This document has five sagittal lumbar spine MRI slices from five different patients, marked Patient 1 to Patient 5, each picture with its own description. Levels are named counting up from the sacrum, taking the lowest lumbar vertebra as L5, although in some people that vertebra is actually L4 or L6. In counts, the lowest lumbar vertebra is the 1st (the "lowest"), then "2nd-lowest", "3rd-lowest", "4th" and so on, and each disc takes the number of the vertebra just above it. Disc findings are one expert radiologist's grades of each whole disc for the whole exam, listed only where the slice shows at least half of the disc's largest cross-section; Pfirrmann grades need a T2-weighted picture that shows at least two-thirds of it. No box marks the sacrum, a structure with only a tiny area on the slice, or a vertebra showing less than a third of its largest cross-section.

Patient 1 of 5:
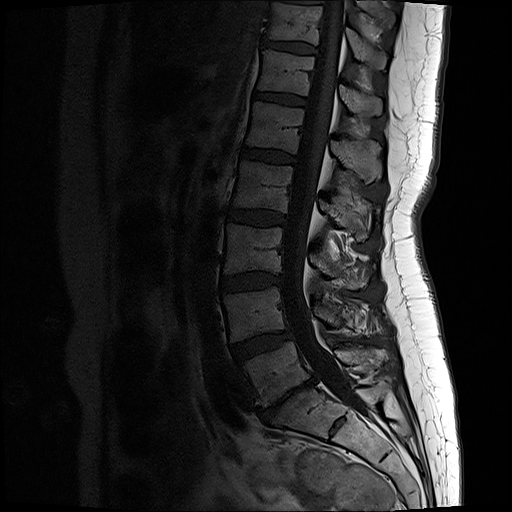 T1-weighted sagittal MRI of the lumbar spine

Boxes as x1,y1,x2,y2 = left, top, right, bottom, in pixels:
7th disc at 265,41,314,52 | 5th vertebra at 247,102,381,181 | 2nd-lowest vertebra at 224,286,380,340 | 2nd-lowest disc at 232,330,292,361 | lowest disc at 256,376,316,421 | 4th vertebra at 233,161,372,241 | 3rd-lowest vertebra at 224,225,371,289 | 5th disc at 242,147,295,163 | 3rd-lowest disc at 221,272,282,291 | 4th disc at 227,208,286,224 | 6th disc at 255,91,306,105 | lowest vertebra at 243,342,391,405 | thecal sac / spinal canal at 283,1,374,419 | 6th vertebra at 259,50,382,114 | 7th vertebra at 268,2,383,67

Per-level radiological findings:
• lowest disc: upper-endplate change, lower-endplate change, disc herniation, disc narrowing, disc bulging, Modic type III
• 3rd-lowest disc: disc bulging
• 2nd-lowest disc: disc bulging
• 4th disc, 7th disc, 6th disc, 5th disc: no spondylolisthesis, narrowing, bulging, herniation, Modic or endplate change recorded

Patient 2 of 5:
T2-weighted sagittal MRI of the lumbar spine; Sagittal slice index 10; Field of view 280x280 mm
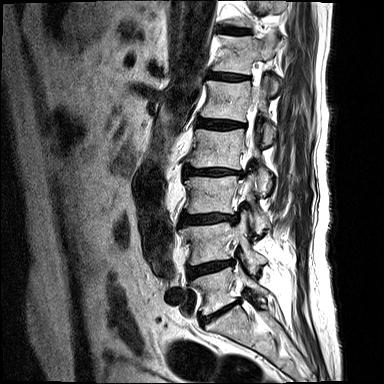

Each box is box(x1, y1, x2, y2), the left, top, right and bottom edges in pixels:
L3 (3rd-lowest vertebra) at box(184, 175, 269, 233); disc L5/S1 (lowest disc) at box(199, 303, 236, 326); T12 (6th vertebra) at box(213, 31, 277, 90); L2/L3 (4th disc) at box(183, 166, 242, 176); L4 (2nd-lowest vertebra) at box(178, 222, 265, 272); L5 (lowest vertebra) at box(189, 267, 267, 315); L2 (4th vertebra) at box(186, 128, 271, 194); disc L3/L4 (3rd-lowest disc) at box(179, 214, 237, 225); L1 (5th vertebra) at box(201, 80, 275, 142); L4/L5 (2nd-lowest disc) at box(187, 260, 233, 277); disc T12/L1 (6th disc) at box(209, 72, 247, 81); L1/L2 (5th disc) at box(196, 118, 245, 128); disc T11/T12 (7th disc) at box(220, 26, 250, 34); thecal sac / spinal canal at box(238, 96, 256, 191).

Radiological gradings:
• L1/L2 (5th disc): Pfirrmann grade 4, disc bulging, Modic type II, lower-endplate change, disc narrowing
• T12/L1 (6th disc): Pfirrmann grade 4, Modic type II, disc narrowing
• L4/L5 (2nd-lowest disc): Pfirrmann grade 4, Modic type II, lower-endplate change, disc narrowing, disc bulging
• L3/L4 (3rd-lowest disc): Pfirrmann grade 4, lower-endplate change, Modic type II, disc narrowing, upper-endplate change, disc herniation
• L2/L3 (4th disc): Pfirrmann grade 4, disc narrowing, Modic type II, disc herniation, lower-endplate change
• T11/T12 (7th disc): Pfirrmann grade 4, disc narrowing, lower-endplate change, upper-endplate change, Modic type II

Patient 3 of 5:
T2 SPACE (3D) sagittal MRI of the lumbar spine | Slice 33 of 120

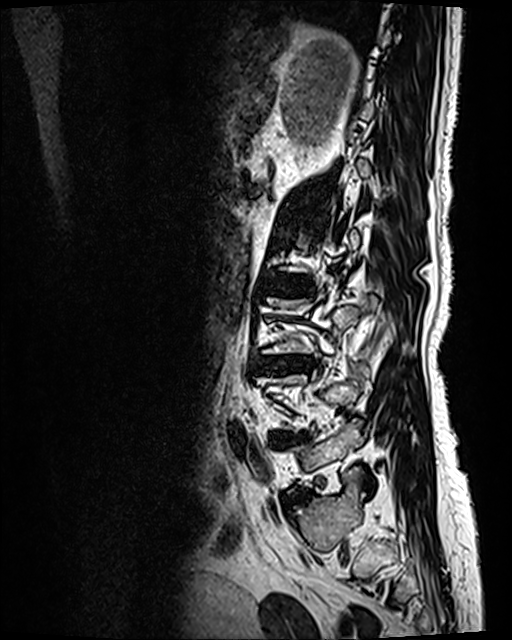 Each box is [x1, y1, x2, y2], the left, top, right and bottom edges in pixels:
Intervertebral disc L5/S1 (lowest disc): [291, 494, 303, 501].
L4/L5 (2nd-lowest disc): [277, 435, 304, 443].
Intervertebral disc L3/L4 (3rd-lowest disc): [255, 357, 312, 373].

Degenerative findings by level:
  L3/L4 (3rd-lowest disc): lower-endplate change, disc bulging, Modic type II, disc narrowing, upper-endplate change

Patient 4 of 5:
Image 512x512 | T2-weighted sagittal MRI of the lumbar spine 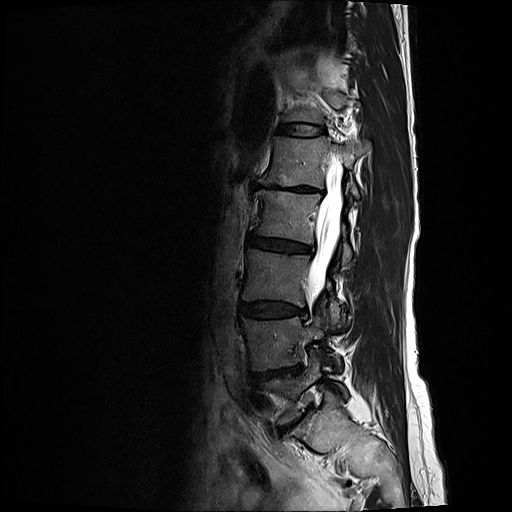
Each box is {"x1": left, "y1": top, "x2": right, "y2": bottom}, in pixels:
Annotations:
• L1 vertebra: {"x1": 260, "y1": 135, "x2": 369, "y2": 197}
• L2 vertebra: {"x1": 254, "y1": 191, "x2": 352, "y2": 263}
• L3 vertebra: {"x1": 243, "y1": 249, "x2": 340, "y2": 323}
• disc L5/S1: {"x1": 281, "y1": 415, "x2": 305, "y2": 432}
• T12/L1: {"x1": 280, "y1": 123, "x2": 324, "y2": 136}
• spinal canal: {"x1": 309, "y1": 159, "x2": 341, "y2": 294}
• disc L3/L4: {"x1": 241, "y1": 301, "x2": 307, "y2": 318}
• L5 vertebra: {"x1": 262, "y1": 351, "x2": 348, "y2": 425}
• L4: {"x1": 243, "y1": 313, "x2": 340, "y2": 371}
• L1/L2: {"x1": 258, "y1": 183, "x2": 322, "y2": 195}
• disc L2/L3: {"x1": 250, "y1": 235, "x2": 313, "y2": 253}
• disc L4/L5: {"x1": 250, "y1": 366, "x2": 302, "y2": 384}

Expert MSK radiologist gradings (per disc):
• L3/L4: Pfirrmann grade 3, disc bulging
• L4/L5: disc narrowing, Modic type II, disc bulging
• L1/L2: Pfirrmann grade 5, disc bulging, Modic type II, disc narrowing, lower-endplate change, upper-endplate change
• L2/L3: Pfirrmann grade 3, disc bulging, disc narrowing
• T12/L1: no Modic or endplate change, herniation, narrowing, bulging or spondylolisthesis recorded

Patient 5 of 5:
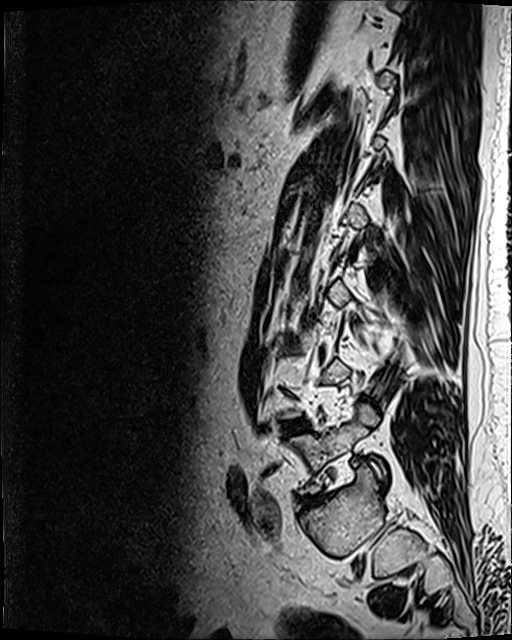
MRI lumbar spine (T2 SPACE (3D)), sagittal plane; Sex M; Slice 30 of 120

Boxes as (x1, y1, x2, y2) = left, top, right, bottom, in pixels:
IVD L5/S1 = (304, 493, 326, 505).
L4/L5 = (285, 420, 306, 431).
L5 = (289, 404, 381, 493).